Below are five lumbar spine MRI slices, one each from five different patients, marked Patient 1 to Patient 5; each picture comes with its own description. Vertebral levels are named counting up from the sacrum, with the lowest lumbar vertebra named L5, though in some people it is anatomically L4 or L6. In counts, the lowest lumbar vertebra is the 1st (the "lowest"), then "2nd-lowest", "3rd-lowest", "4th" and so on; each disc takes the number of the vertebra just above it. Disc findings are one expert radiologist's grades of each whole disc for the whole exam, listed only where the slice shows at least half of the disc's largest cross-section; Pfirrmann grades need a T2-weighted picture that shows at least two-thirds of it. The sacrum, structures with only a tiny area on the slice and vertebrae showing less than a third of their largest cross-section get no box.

Patient 1 of 5:
T2-weighted sagittal MRI of the lumbar spine. Sex M.

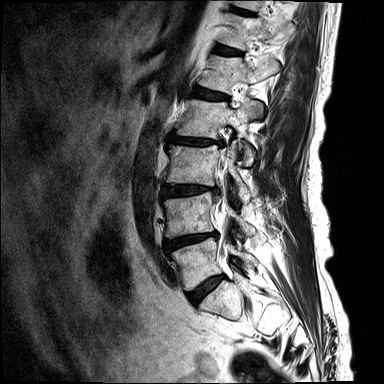

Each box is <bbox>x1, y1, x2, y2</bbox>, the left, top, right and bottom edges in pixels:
IVD L3/L4 = <bbox>163, 185, 220, 197</bbox>.
T12 vertebra = <bbox>220, 14, 295, 49</bbox>.
T12/L1 = <bbox>215, 44, 243, 56</bbox>.
IVD L2/L3 = <bbox>169, 136, 225, 147</bbox>.
L4 = <bbox>164, 192, 255, 237</bbox>.
IVD L1/L2 = <bbox>193, 87, 228, 99</bbox>.
T11/T12 = <bbox>230, 7, 256, 16</bbox>.
L1 = <bbox>199, 54, 279, 91</bbox>.
L3 = <bbox>165, 141, 250, 200</bbox>.
L5/S1 = <bbox>187, 275, 224, 304</bbox>.
L2 = <bbox>177, 99, 262, 165</bbox>.
IVD L4/L5 = <bbox>167, 232, 217, 249</bbox>.
L5 vertebra = <bbox>172, 237, 256, 290</bbox>.

Radiological gradings:
• L3/L4: Pfirrmann grade 4, Modic type II, upper-endplate change, disc narrowing, disc herniation, disc bulging, lower-endplate change
• L4/L5: Pfirrmann grade 4, disc narrowing, lower-endplate change, disc bulging, upper-endplate change, Modic type I
• L5/S1: Modic type II, disc bulging
• L2/L3: Pfirrmann grade 4, lower-endplate change, disc bulging, Modic type II, disc narrowing, upper-endplate change
• T12/L1, L1/L2: no Modic or endplate change, herniation, narrowing, bulging or spondylolisthesis recorded

Patient 2 of 5:
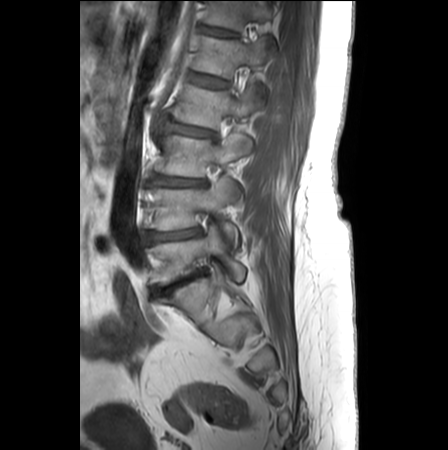 T1-weighted sagittal MRI of the lumbar spine, Slice 8 of 25
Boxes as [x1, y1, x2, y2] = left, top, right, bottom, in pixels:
Lowest vertebra — [146, 224, 246, 283].
2nd-lowest disc — [145, 227, 200, 241].
6th vertebra — [207, 1, 277, 48].
4th vertebra — [173, 85, 260, 127].
3rd-lowest disc — [152, 174, 205, 186].
3rd-lowest vertebra — [156, 134, 252, 176].
5th disc — [191, 74, 228, 87].
6th disc — [202, 27, 238, 36].
Lowest disc — [151, 267, 208, 296].
5th vertebra — [196, 35, 271, 77].
2nd-lowest vertebra — [146, 177, 238, 247].
4th disc — [163, 119, 216, 139].

Per-level radiological findings:
  2nd-lowest disc: lower-endplate change, disc bulging, upper-endplate change, Modic type II, disc narrowing
  6th disc: lower-endplate change
  3rd-lowest disc: disc bulging, lower-endplate change, upper-endplate change, disc narrowing, Modic type II
  lowest disc: disc bulging, Modic type II, disc narrowing, lower-endplate change, upper-endplate change
  4th disc: upper-endplate change, lower-endplate change, disc narrowing, Modic type II, disc bulging
  5th disc: no Modic or endplate change, herniation, narrowing, bulging or spondylolisthesis recorded

Patient 3 of 5:
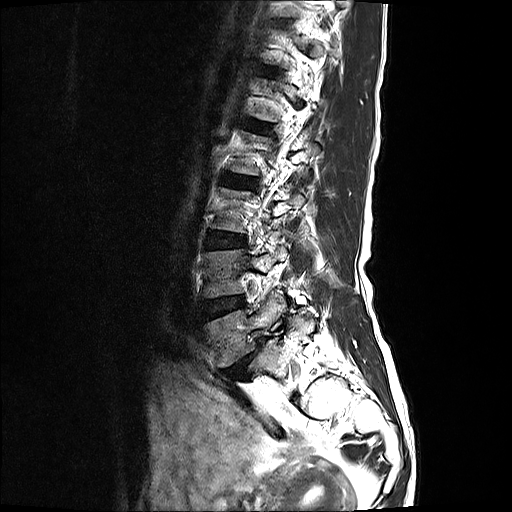 T2-weighted sagittal MRI of the lumbar spine

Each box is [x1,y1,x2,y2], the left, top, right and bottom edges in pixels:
{"6th disc": "[263,66,283,76]", "3rd-lowest disc": "[206,231,246,247]", "5th disc": "[247,120,273,132]", "4th disc": "[223,173,258,189]", "lowest disc": "[221,337,265,379]", "lowest vertebra": "[205,293,287,367]", "2nd-lowest disc": "[202,296,245,320]", "2nd-lowest vertebra": "[205,248,288,297]"}

Per-level radiological findings:
- lowest disc: disc narrowing, spondylolisthesis, disc bulging, Modic type II
- 2nd-lowest disc: Pfirrmann grade 2
- 3rd-lowest disc, 4th disc: no herniation, bulging, narrowing, spondylolisthesis, endplate or Modic change recorded

Patient 4 of 5:
Slice 6 of 27, Scanner: Philips Healthcare Ingenia (3T), Lumbar spine MR, T2-weighted, sagittal
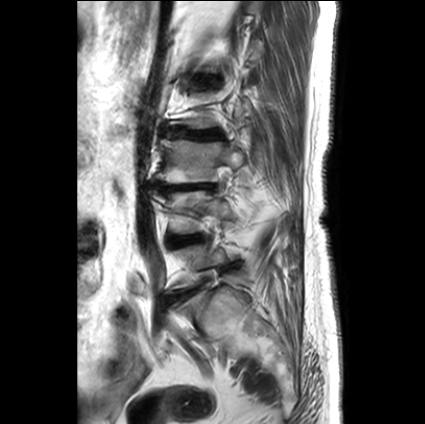 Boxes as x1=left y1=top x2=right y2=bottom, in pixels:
Intervertebral disc L3/L4: x1=157 y1=183 x2=213 y2=191.
Intervertebral disc L5/S1: x1=169 y1=288 x2=196 y2=302.
L4/L5: x1=171 y1=234 x2=200 y2=246.
L3 vertebra: x1=158 y1=139 x2=244 y2=183.
Intervertebral disc L2/L3: x1=163 y1=127 x2=223 y2=139.

Degenerative findings by level:
  L3/L4: Pfirrmann grade 5, disc narrowing, upper-endplate change, lower-endplate change, disc bulging, Modic type II
  L2/L3: Pfirrmann grade 1, disc bulging, disc narrowing, lower-endplate change, upper-endplate change

Patient 5 of 5:
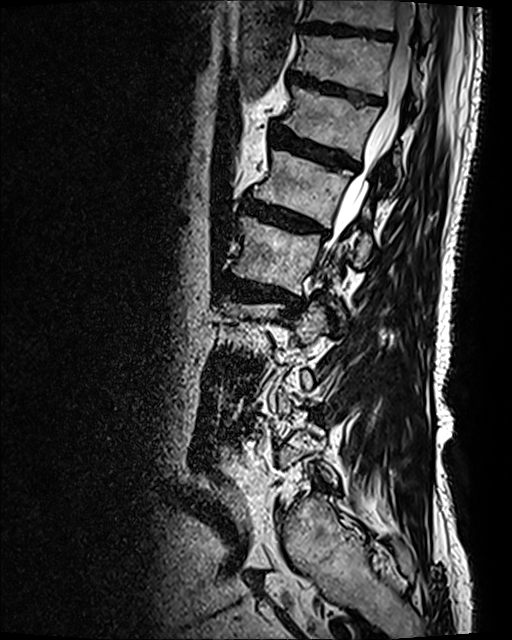
Sagittal T2 SPACE (3D) lumbar spine MRI; Patient sex: M
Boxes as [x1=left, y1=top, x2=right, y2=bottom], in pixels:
T11 vertebra: [x1=294, y1=36, x2=422, y2=108].
T10 vertebra: [x1=303, y1=0, x2=431, y2=40].
L1 vertebra: [x1=254, y1=151, x2=370, y2=259].
L2 vertebra: [x1=232, y1=216, x2=344, y2=322].
T12 vertebra: [x1=282, y1=86, x2=400, y2=177].
Intervertebral disc T12/L1: [x1=271, y1=125, x2=359, y2=170].
Spinal canal: [x1=323, y1=1, x2=414, y2=259].
Intervertebral disc L2/L3: [x1=223, y1=274, x2=301, y2=309].
Intervertebral disc T10/T11: [x1=300, y1=22, x2=393, y2=40].
L1/L2: [x1=241, y1=197, x2=327, y2=235].
T11/T12: [x1=289, y1=69, x2=383, y2=104].

Degenerative findings by level:
  T12/L1: Pfirrmann grade 4, upper-endplate change, disc bulging, Modic type II, lower-endplate change
  L2/L3: Pfirrmann grade 4, disc narrowing, upper-endplate change, disc bulging, Modic type I, lower-endplate change
  T11/T12: Pfirrmann grade 4, lower-endplate change, upper-endplate change, disc bulging
  L1/L2: Pfirrmann grade 4, upper-endplate change, Modic type II, disc bulging, lower-endplate change
  T10/T11: Pfirrmann grade 3